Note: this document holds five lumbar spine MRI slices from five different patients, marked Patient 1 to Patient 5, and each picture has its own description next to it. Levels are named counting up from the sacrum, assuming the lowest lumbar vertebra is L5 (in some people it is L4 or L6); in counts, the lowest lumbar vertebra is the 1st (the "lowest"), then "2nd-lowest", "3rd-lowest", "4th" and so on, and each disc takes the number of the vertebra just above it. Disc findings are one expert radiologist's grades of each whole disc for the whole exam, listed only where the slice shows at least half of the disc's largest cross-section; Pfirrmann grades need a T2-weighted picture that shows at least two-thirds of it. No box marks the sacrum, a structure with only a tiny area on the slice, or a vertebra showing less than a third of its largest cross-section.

Patient 1 of 5:
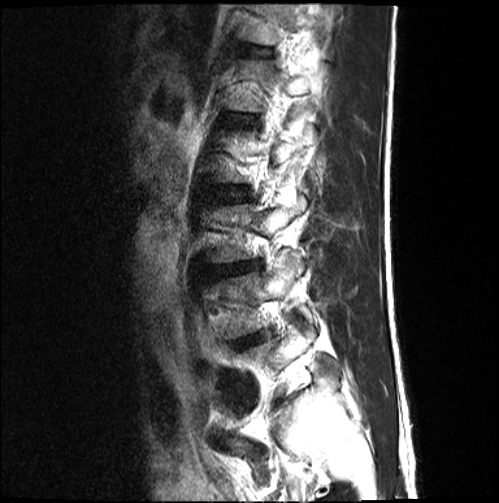
Patient sex: M | T2-weighted sagittal MRI of the lumbar spine

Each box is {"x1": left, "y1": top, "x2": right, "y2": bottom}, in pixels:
Structures:
• intervertebral disc L4/L5: {"x1": 234, "y1": 334, "x2": 263, "y2": 349}
• L3/L4: {"x1": 208, "y1": 261, "x2": 259, "y2": 280}
• L2/L3: {"x1": 230, "y1": 189, "x2": 243, "y2": 199}
• L4 vertebra: {"x1": 217, "y1": 252, "x2": 314, "y2": 338}

Expert MSK radiologist gradings (per disc):
• L3/L4: upper-endplate change, lower-endplate change, disc bulging, disc narrowing

Patient 2 of 5:
526x661 px; Lumbar spine MR, T2 SPACE (3D), sagittal; Field of view 240x302 mm

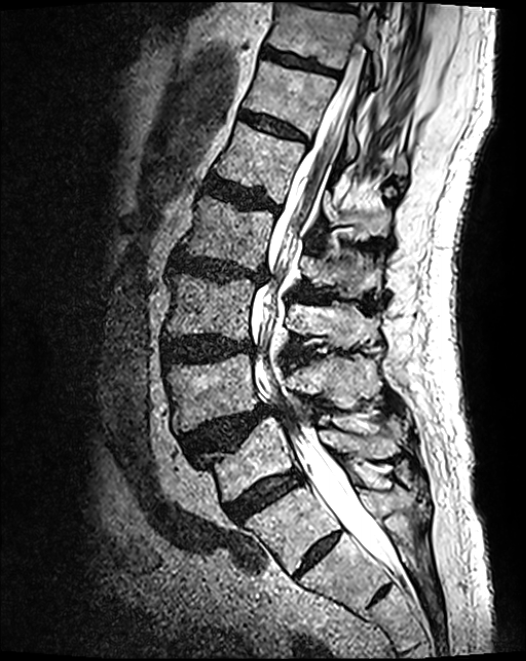 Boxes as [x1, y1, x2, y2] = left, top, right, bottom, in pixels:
• lowest disc: [227, 471, 302, 521]
• 5th disc: [205, 177, 280, 212]
• 7th vertebra: [267, 3, 382, 85]
• 6th disc: [239, 112, 305, 141]
• 2nd-lowest vertebra: [166, 355, 379, 432]
• lowest vertebra: [201, 418, 404, 502]
• 2nd-lowest disc: [180, 405, 274, 459]
• 3rd-lowest disc: [161, 337, 254, 364]
• 6th vertebra: [246, 61, 406, 175]
• 4th disc: [170, 253, 267, 283]
• thecal sac / spinal canal: [251, 43, 393, 567]
• 3rd-lowest vertebra: [164, 274, 377, 347]
• 5th vertebra: [216, 123, 391, 240]
• 4th vertebra: [181, 196, 384, 299]
• 7th disc: [262, 48, 336, 74]

Degenerative findings by level:
  3rd-lowest disc: Pfirrmann grade 4, disc bulging
  5th disc: Pfirrmann grade 4, upper-endplate change, disc bulging, lower-endplate change
  lowest disc: Pfirrmann grade 4
  6th disc: Pfirrmann grade 3
  2nd-lowest disc: Pfirrmann grade 4, upper-endplate change, spondylolisthesis, disc herniation
  7th disc: Pfirrmann grade 3, lower-endplate change
  4th disc: Pfirrmann grade 4, disc narrowing, lower-endplate change, upper-endplate change, disc bulging

Patient 3 of 5:
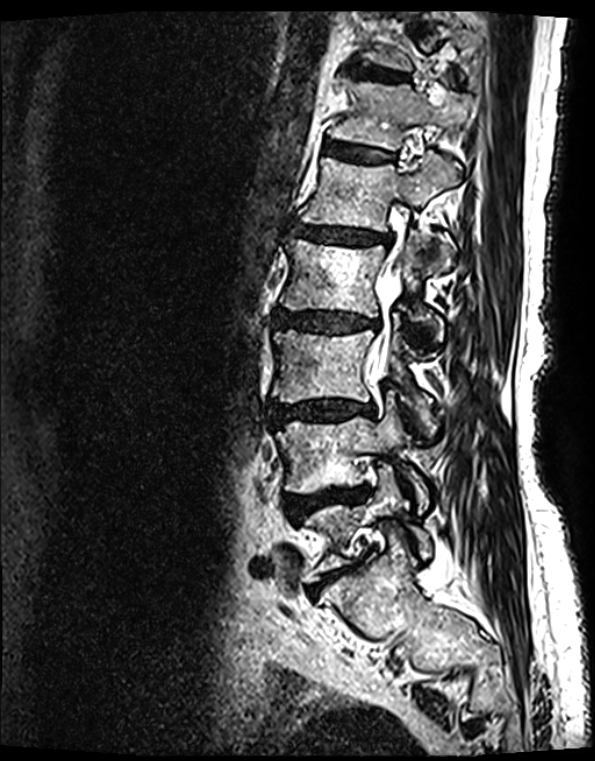 Sagittal T2 SPACE (3D) lumbar spine MRI | 595x761 px | Patient sex: F

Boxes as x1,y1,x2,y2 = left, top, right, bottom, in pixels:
L1 at 299,150,459,233; IVD L2/L3 at 273,312,375,332; spinal canal at 367,237,400,377; L3/L4 at 274,400,372,423; IVD L1/L2 at 291,225,378,244; L2 at 279,236,449,343; L3 vertebra at 273,331,433,436; L4 at 277,396,427,505; L5 vertebra at 301,466,430,582; L4/L5 at 287,489,364,521; L5/S1 at 312,564,355,592; T12 vertebra at 328,75,473,150; IVD T12/L1 at 324,144,391,164; T11/T12 at 352,66,406,82.

Expert MSK radiologist gradings (per disc):
- L1/L2: Pfirrmann grade 4, upper-endplate change, lower-endplate change, Modic type II, disc narrowing, disc bulging
- L3/L4: Pfirrmann grade 4, Modic type II, disc bulging, disc narrowing, upper-endplate change, lower-endplate change
- L2/L3: Pfirrmann grade 4, disc bulging, upper-endplate change, lower-endplate change, Modic type II, disc narrowing
- L4/L5: lower-endplate change, Modic type II, disc herniation, disc bulging, upper-endplate change, disc narrowing
- T12/L1: Pfirrmann grade 2, Modic type II, lower-endplate change, upper-endplate change
- T11/T12: lower-endplate change, upper-endplate change, Modic type II

Patient 4 of 5:
512x640 px; Lumbar spine MR, T2 SPACE (3D), sagittal
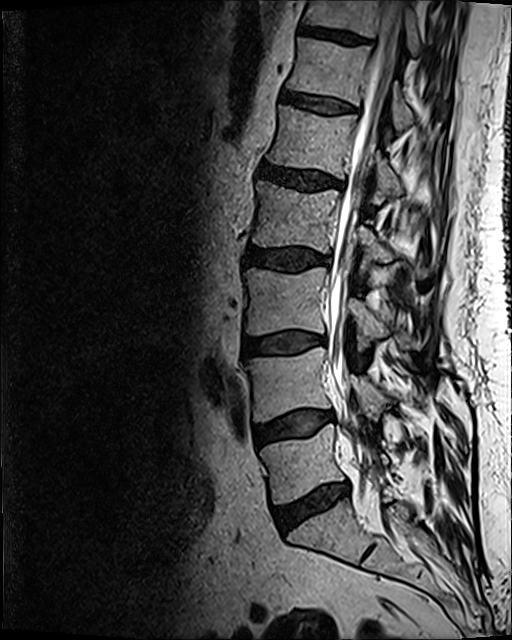 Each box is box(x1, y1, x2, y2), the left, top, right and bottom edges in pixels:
Annotations:
• lowest disc = box(273, 482, 348, 531)
• 3rd-lowest disc = box(244, 331, 319, 354)
• 7th disc = box(299, 24, 370, 45)
• 5th vertebra = box(269, 106, 431, 203)
• 7th vertebra = box(304, 0, 423, 56)
• lowest vertebra = box(260, 424, 388, 503)
• 3rd-lowest vertebra = box(245, 267, 423, 351)
• 4th disc = box(245, 247, 326, 271)
• 6th disc = box(281, 91, 356, 113)
• 6th vertebra = box(287, 37, 413, 130)
• 2nd-lowest vertebra = box(247, 348, 387, 422)
• 5th disc = box(255, 162, 343, 191)
• 4th vertebra = box(252, 181, 427, 277)
• spinal canal = box(329, 0, 403, 510)
• 2nd-lowest disc = box(253, 411, 332, 446)

Degenerative findings by level:
  2nd-lowest disc: Pfirrmann grade 2, disc bulging, Modic type II
  7th disc: Pfirrmann grade 3
  4th disc: Pfirrmann grade 3, disc bulging
  6th disc: Pfirrmann grade 2
  5th disc: Pfirrmann grade 3, disc bulging
  3rd-lowest disc: Pfirrmann grade 2, Modic type II, disc bulging
  lowest disc: Pfirrmann grade 3, Modic type II, disc narrowing, disc bulging

Patient 5 of 5:
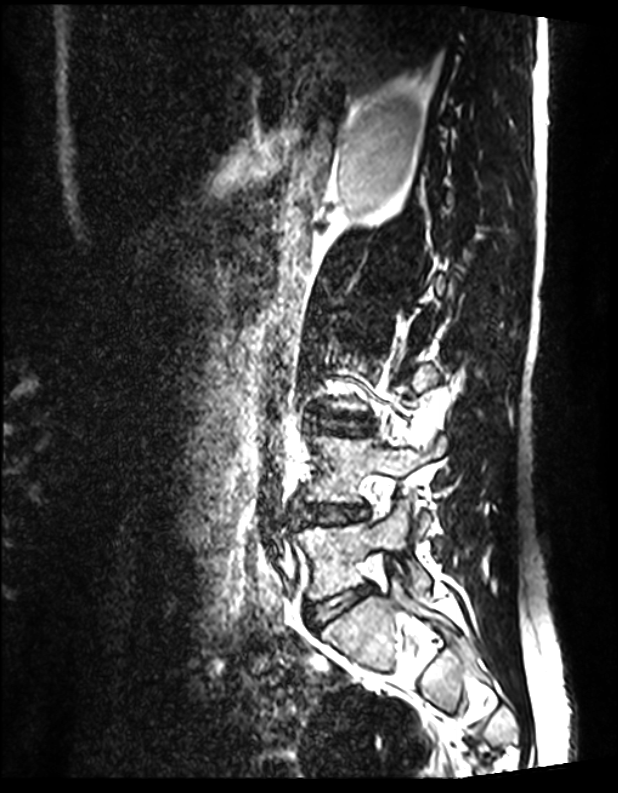
T2 SPACE (3D) sagittal MRI of the lumbar spine, Field of view 240x308 mm, slice spacing 0.9 mm, Patient sex: M
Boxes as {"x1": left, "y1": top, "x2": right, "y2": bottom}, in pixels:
Lowest disc = {"x1": 307, "y1": 585, "x2": 371, "y2": 628}.
2nd-lowest disc = {"x1": 301, "y1": 504, "x2": 360, "y2": 524}.
2nd-lowest vertebra = {"x1": 306, "y1": 434, "x2": 447, "y2": 535}.
3rd-lowest disc = {"x1": 318, "y1": 414, "x2": 370, "y2": 436}.
Lowest vertebra = {"x1": 295, "y1": 503, "x2": 429, "y2": 600}.

Expert MSK radiologist gradings (per disc):
- lowest disc: no Modic or endplate change, herniation, narrowing, bulging or spondylolisthesis recorded